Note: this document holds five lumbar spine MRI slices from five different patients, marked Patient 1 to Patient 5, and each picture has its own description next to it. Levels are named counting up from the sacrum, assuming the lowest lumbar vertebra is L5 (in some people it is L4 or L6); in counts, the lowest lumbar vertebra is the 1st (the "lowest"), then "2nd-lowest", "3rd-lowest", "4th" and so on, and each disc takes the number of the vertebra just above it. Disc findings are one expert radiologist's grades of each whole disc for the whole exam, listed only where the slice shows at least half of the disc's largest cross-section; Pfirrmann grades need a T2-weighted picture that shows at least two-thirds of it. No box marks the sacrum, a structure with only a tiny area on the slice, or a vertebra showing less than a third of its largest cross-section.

Patient 1 of 5:
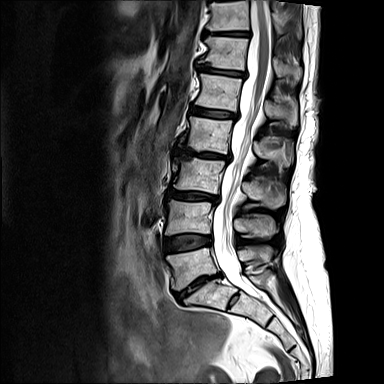 Sagittal T2-weighted lumbar spine MRI; Sex F; Slice 8 of 15
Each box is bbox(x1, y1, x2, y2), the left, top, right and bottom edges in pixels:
T12 vertebra: bbox(198, 35, 302, 79).
L2 vertebra: bbox(178, 116, 295, 165).
L1 vertebra: bbox(195, 73, 297, 125).
L4 vertebra: bbox(165, 200, 276, 237).
L3/L4: bbox(169, 190, 219, 202).
Spinal canal: bbox(213, 0, 270, 302).
T11 vertebra: bbox(206, 0, 300, 37).
Intervertebral disc L5/S1: bbox(175, 273, 221, 300).
L2/L3: bbox(175, 149, 231, 161).
Intervertebral disc T11/T12: bbox(202, 30, 251, 37).
T12/L1: bbox(196, 65, 246, 78).
L3 vertebra: bbox(173, 157, 286, 208).
L5 vertebra: bbox(167, 246, 272, 290).
L4/L5: bbox(164, 234, 211, 251).
L1/L2: bbox(190, 106, 238, 120).

Radiological gradings:
• L3/L4: Pfirrmann grade 4, disc narrowing, upper-endplate change, Modic type II, disc bulging, lower-endplate change
• L2/L3: Pfirrmann grade 5, disc bulging, Modic type III, lower-endplate change, upper-endplate change, disc narrowing
• T11/T12: Pfirrmann grade 3, upper-endplate change, Modic type II, disc bulging, lower-endplate change, disc narrowing
• T12/L1: Pfirrmann grade 3, disc narrowing, Modic type III, upper-endplate change, disc bulging, lower-endplate change
• L1/L2: Pfirrmann grade 3, upper-endplate change, disc bulging, Modic type II, lower-endplate change
• L5/S1: Pfirrmann grade 5, lower-endplate change, disc bulging, Modic type II, disc narrowing, upper-endplate change
• L4/L5: Pfirrmann grade 3, lower-endplate change, upper-endplate change, Modic type II, disc bulging

Patient 2 of 5:
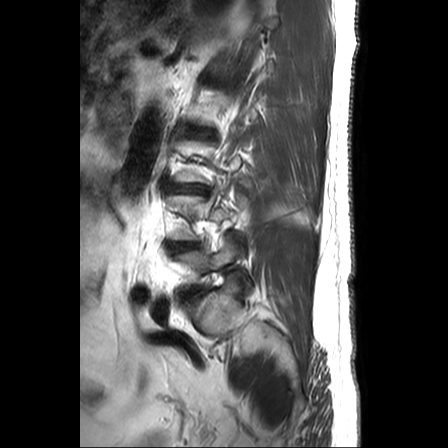

Patient sex: M; Slice spacing 3.3 mm; MRI lumbar spine (T2-weighted), sagittal plane; Slice 21 of 25
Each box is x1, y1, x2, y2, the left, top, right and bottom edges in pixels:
{"disc L3/L4": "173, 185, 204, 192", "L5": "175, 235, 240, 273", "disc L4/L5": "169, 243, 197, 251"}

Patient 3 of 5:
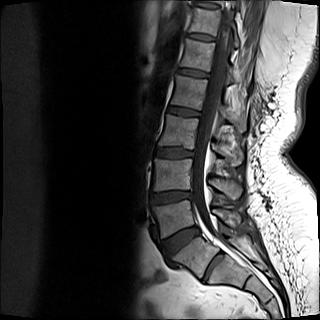 T1-weighted sagittal MRI of the lumbar spine. Image 320x320. Slice 8 of 15.

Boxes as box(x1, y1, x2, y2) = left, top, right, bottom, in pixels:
Lowest vertebra: box(153, 200, 241, 237).
4th disc: box(168, 107, 200, 116).
6th disc: box(186, 34, 214, 40).
4th vertebra: box(171, 75, 246, 132).
6th vertebra: box(188, 8, 240, 46).
2nd-lowest vertebra: box(153, 159, 242, 199).
7th disc: box(195, 1, 218, 8).
3rd-lowest disc: box(155, 148, 194, 158).
2nd-lowest disc: box(151, 191, 192, 204).
5th vertebra: box(180, 39, 233, 82).
Lowest disc: box(162, 226, 200, 258).
5th disc: box(178, 69, 209, 77).
3rd-lowest vertebra: box(158, 114, 243, 165).
Thecal sac / spinal canal: box(192, 8, 231, 239).

Per-level radiological findings:
• 3rd-lowest disc: lower-endplate change
• 2nd-lowest disc: disc bulging, disc narrowing, Modic type II
• 5th disc, 4th disc, lowest disc, 7th disc, 6th disc: no herniation, bulging, narrowing, spondylolisthesis, endplate or Modic change recorded

Patient 4 of 5:
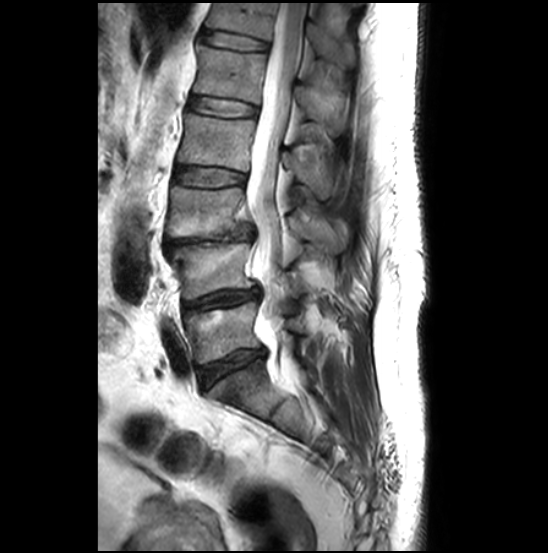

Patient sex: M; Sagittal T2-weighted lumbar spine MRI; Slice 16/27

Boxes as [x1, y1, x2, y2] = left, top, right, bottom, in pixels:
Annotations:
* T12 (6th vertebra) = [206, 3, 354, 64]
* L5 (lowest vertebra) = [185, 300, 303, 364]
* L3/L4 (3rd-lowest disc) = [164, 224, 255, 252]
* T12/L1 (6th disc) = [201, 30, 268, 49]
* L4 (2nd-lowest vertebra) = [170, 242, 307, 300]
* IVD L1/L2 (5th disc) = [189, 96, 256, 116]
* thecal sac / spinal canal = [246, 3, 305, 350]
* IVD L5/S1 (lowest disc) = [200, 349, 263, 388]
* L2/L3 (4th disc) = [175, 167, 245, 186]
* L3 (3rd-lowest vertebra) = [166, 185, 344, 252]
* IVD L4/L5 (2nd-lowest disc) = [184, 287, 260, 310]
* L2 (4th vertebra) = [177, 113, 334, 198]
* L1 (5th vertebra) = [193, 44, 347, 129]

Expert MSK radiologist gradings (per disc):
• L1/L2 (5th disc): Pfirrmann grade 2
• L3/L4 (3rd-lowest disc): Pfirrmann grade 5, upper-endplate change, Modic type II, spondylolisthesis, disc herniation, disc narrowing, lower-endplate change
• T12/L1 (6th disc): Pfirrmann grade 2
• L4/L5 (2nd-lowest disc): Pfirrmann grade 3, Modic type II, disc bulging, upper-endplate change, disc narrowing, lower-endplate change
• L5/S1 (lowest disc): Pfirrmann grade 3, Modic type II, disc bulging, disc narrowing, lower-endplate change, upper-endplate change
• L2/L3 (4th disc): Pfirrmann grade 2

Patient 5 of 5:
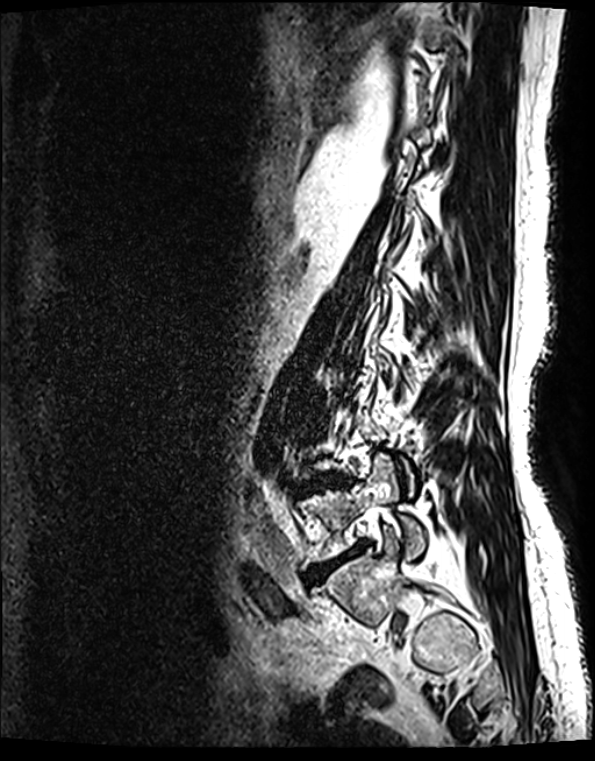
MRI lumbar spine (T2 SPACE (3D)), sagittal plane; Sagittal slice index 35; Patient sex: F

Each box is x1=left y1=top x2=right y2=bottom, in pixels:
Annotations:
• IVD L5/S1 — x1=308 y1=542 x2=366 y2=582
• IVD L4/L5 — x1=312 y1=474 x2=340 y2=486
• L5 vertebra — x1=300 y1=454 x2=424 y2=561